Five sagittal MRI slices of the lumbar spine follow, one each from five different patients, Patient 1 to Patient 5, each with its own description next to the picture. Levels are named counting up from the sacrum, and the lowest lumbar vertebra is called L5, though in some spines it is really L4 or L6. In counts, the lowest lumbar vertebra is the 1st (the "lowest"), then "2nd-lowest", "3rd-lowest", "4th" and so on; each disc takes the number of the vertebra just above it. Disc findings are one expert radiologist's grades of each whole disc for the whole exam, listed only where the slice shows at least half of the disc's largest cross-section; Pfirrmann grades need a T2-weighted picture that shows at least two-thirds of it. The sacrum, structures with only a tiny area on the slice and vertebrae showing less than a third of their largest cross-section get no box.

Patient 1 of 5:
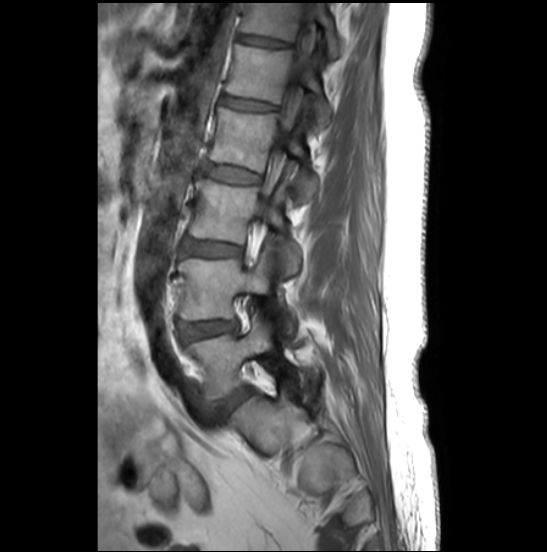

T1-weighted sagittal MRI of the lumbar spine, Field of view 280x282 mm, slice spacing 3.3 mm, Slice 19 of 27
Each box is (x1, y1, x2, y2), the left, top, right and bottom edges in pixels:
- 2nd-lowest vertebra: (178, 247, 291, 332)
- lowest disc: (219, 388, 249, 416)
- 6th vertebra: (239, 3, 340, 59)
- 3rd-lowest vertebra: (189, 179, 298, 276)
- lowest vertebra: (187, 312, 297, 398)
- 2nd-lowest disc: (181, 322, 232, 340)
- 4th disc: (202, 165, 258, 183)
- 5th vertebra: (225, 44, 330, 130)
- 6th disc: (237, 35, 289, 47)
- 3rd-lowest disc: (186, 240, 241, 256)
- 4th vertebra: (209, 108, 317, 201)
- 5th disc: (221, 96, 275, 110)
- thecal sac / spinal canal: (274, 5, 313, 158)

Radiological gradings:
• 2nd-lowest disc: disc bulging
• 3rd-lowest disc: disc bulging
• 5th disc: upper-endplate change
• 6th disc: upper-endplate change, lower-endplate change
• 4th disc: no spondylolisthesis, narrowing, bulging, herniation, Modic or endplate change recorded

Patient 2 of 5:
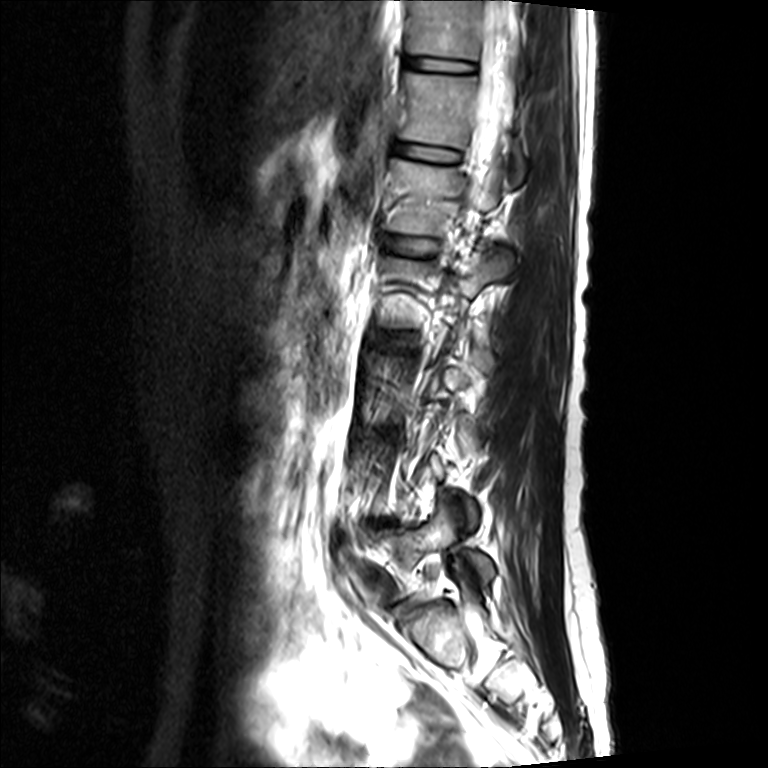
Slice spacing 4.4 mm | Lumbar spine MR, T2-weighted, sagittal | Image 768x768
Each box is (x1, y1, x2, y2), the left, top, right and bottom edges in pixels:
6th vertebra: (400, 71, 526, 177).
5th disc: (384, 234, 439, 255).
Lowest disc: (397, 602, 416, 617).
7th vertebra: (405, 0, 525, 81).
5th vertebra: (389, 158, 498, 235).
Thecal sac / spinal canal: (473, 0, 521, 195).
Lowest vertebra: (382, 497, 497, 598).
4th vertebra: (382, 249, 511, 326).
6th disc: (394, 140, 462, 164).
4th disc: (374, 332, 400, 344).
7th disc: (402, 53, 475, 75).

Radiological gradings:
- 5th disc: Pfirrmann grade 2
- 6th disc: Pfirrmann grade 2
- 7th disc: Pfirrmann grade 2

Patient 3 of 5:
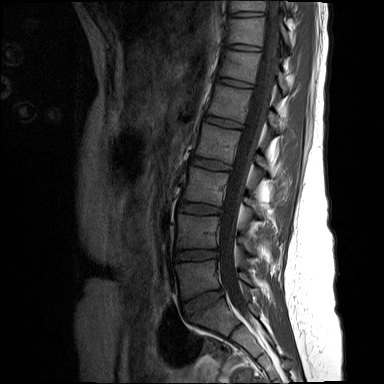

Patient sex: F. 384x384 px. Slice 7 of 15. T1-weighted sagittal MRI of the lumbar spine.
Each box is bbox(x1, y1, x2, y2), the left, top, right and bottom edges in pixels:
• 3rd-lowest vertebra: bbox(183, 167, 259, 215)
• thecal sac / spinal canal: bbox(219, 0, 280, 318)
• 3rd-lowest disc: bbox(179, 201, 220, 214)
• 4th vertebra: bbox(196, 124, 267, 173)
• 2nd-lowest disc: bbox(174, 250, 217, 261)
• 5th disc: bbox(204, 116, 242, 128)
• 2nd-lowest vertebra: bbox(176, 214, 253, 253)
• lowest disc: bbox(182, 290, 223, 316)
• 6th disc: bbox(217, 77, 251, 86)
• 4th disc: bbox(191, 156, 228, 169)
• 8th vertebra: bbox(231, 0, 288, 11)
• 5th vertebra: bbox(209, 84, 279, 132)
• 7th disc: bbox(227, 44, 259, 51)
• lowest vertebra: bbox(175, 260, 252, 298)
• 7th vertebra: bbox(228, 18, 288, 46)
• 6th vertebra: bbox(220, 51, 288, 93)
• 8th disc: bbox(232, 12, 262, 16)

Per-level radiological findings:
  lowest disc, 6th disc, 4th disc, 7th disc, 2nd-lowest disc, 5th disc, 3rd-lowest disc, 8th disc: no spondylolisthesis, narrowing, bulging, herniation, Modic or endplate change recorded

Patient 4 of 5:
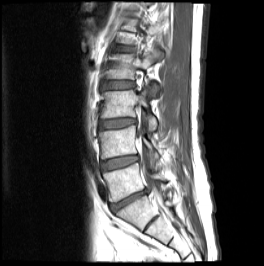
Sex M | T1-weighted sagittal MRI of the lumbar spine | Slice 15/24
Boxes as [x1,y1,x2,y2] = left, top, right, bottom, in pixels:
{"L5 vertebra": "[103,163,166,201]", "IVD L2/L3": "[103,81,134,89]", "IVD L4/L5": "[101,156,138,169]", "L2": "[106,49,162,95]", "L5/S1": "[110,190,149,211]", "IVD L3/L4": "[100,118,136,128]", "thecal sac / spinal canal": "[138,128,159,197]", "L3": "[100,89,157,131]", "L4": "[99,126,158,158]"}

Expert MSK radiologist gradings (per disc):
- L4/L5: disc bulging
- L3/L4: disc bulging, upper-endplate change
- L2/L3: Modic type II
- L5/S1: disc narrowing, Modic type II, disc herniation, disc bulging

Patient 5 of 5:
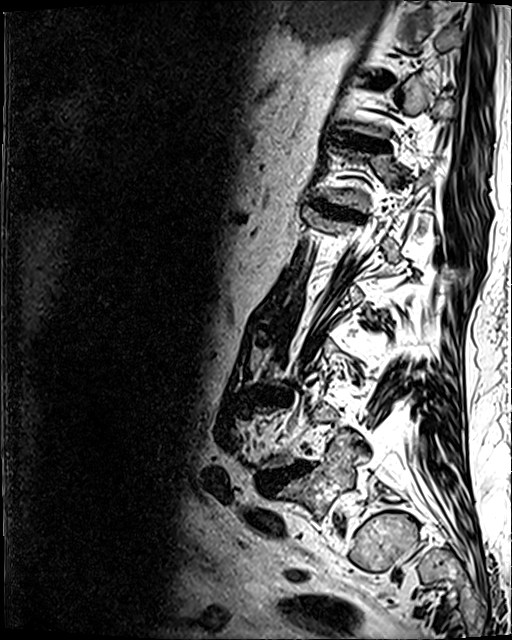
MRI lumbar spine (T2 SPACE (3D)), sagittal plane. Slice 95 of 120.
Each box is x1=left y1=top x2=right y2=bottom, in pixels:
T12/L1 (6th disc) at x1=319 y1=206 x2=355 y2=215, L5 (lowest vertebra) at x1=278 y1=442 x2=361 y2=518, T11/T12 (7th disc) at x1=333 y1=133 x2=384 y2=149, L4/L5 (2nd-lowest disc) at x1=259 y1=463 x2=307 y2=491.

Radiological gradings:
• L4/L5 (2nd-lowest disc): lower-endplate change, Modic type II, disc bulging, disc narrowing, disc herniation, upper-endplate change